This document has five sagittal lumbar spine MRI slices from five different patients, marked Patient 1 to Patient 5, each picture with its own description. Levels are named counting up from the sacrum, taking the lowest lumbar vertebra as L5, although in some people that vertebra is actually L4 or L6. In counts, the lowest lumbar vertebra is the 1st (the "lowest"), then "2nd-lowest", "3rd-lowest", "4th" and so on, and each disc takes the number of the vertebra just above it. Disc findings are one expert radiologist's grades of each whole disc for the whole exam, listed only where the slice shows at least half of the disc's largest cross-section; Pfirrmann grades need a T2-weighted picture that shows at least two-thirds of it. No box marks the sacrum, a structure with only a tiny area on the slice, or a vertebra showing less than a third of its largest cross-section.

Patient 1 of 5:
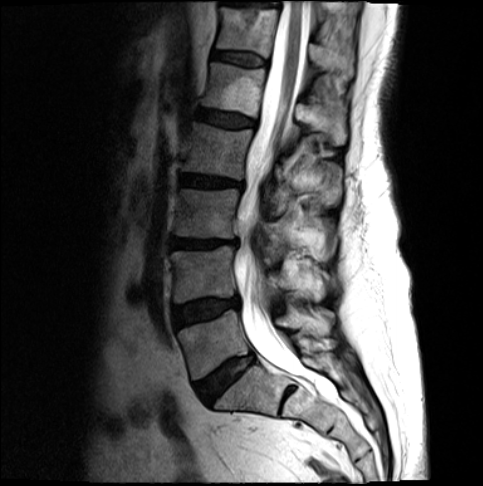 Lumbar spine MR, T2-weighted, sagittal | Slice 7/17 | Patient sex: F
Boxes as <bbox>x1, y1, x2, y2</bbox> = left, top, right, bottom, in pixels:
2nd-lowest vertebra = <bbox>168, 246, 322, 303</bbox>.
6th disc = <bbox>211, 50, 263, 66</bbox>.
6th vertebra = <bbox>215, 7, 352, 76</bbox>.
Lowest vertebra = <bbox>176, 309, 331, 380</bbox>.
3rd-lowest disc = <bbox>168, 238, 236, 247</bbox>.
4th vertebra = <bbox>180, 122, 340, 208</bbox>.
Spinal canal = <bbox>234, 2, 306, 372</bbox>.
5th disc = <bbox>196, 109, 253, 127</bbox>.
4th disc = <bbox>180, 174, 243, 187</bbox>.
Lowest disc = <bbox>197, 354, 254, 402</bbox>.
5th vertebra = <bbox>200, 62, 345, 145</bbox>.
3rd-lowest vertebra = <bbox>172, 188, 333, 256</bbox>.
2nd-lowest disc = <bbox>173, 296, 239, 326</bbox>.

Degenerative findings by level:
• 5th disc: Pfirrmann grade 3, disc bulging
• 3rd-lowest disc: disc narrowing, disc bulging
• 2nd-lowest disc: Pfirrmann grade 3, disc bulging
• lowest disc: Pfirrmann grade 4, disc bulging
• 6th disc: Pfirrmann grade 3
• 4th disc: Pfirrmann grade 4, disc bulging

Patient 2 of 5:
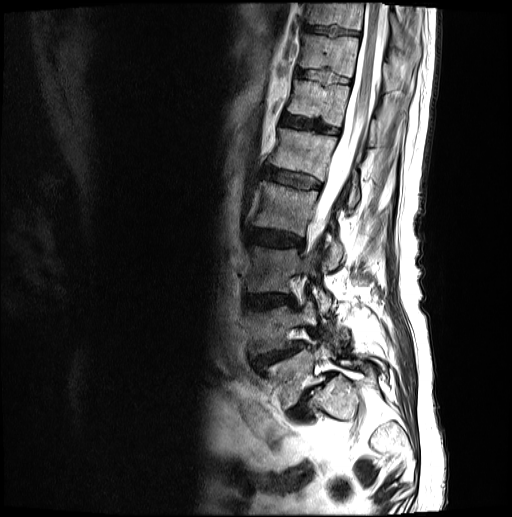

MRI lumbar spine (T2-weighted), sagittal plane; Sex M; Sagittal slice index 8; Image 512x517
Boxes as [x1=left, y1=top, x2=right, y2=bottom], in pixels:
2nd-lowest vertebra at [x1=245, y1=300, x2=338, y2=355].
6th disc at [x1=280, y1=115, x2=338, y2=134].
8th vertebra at [x1=303, y1=3, x2=420, y2=55].
7th disc at [x1=295, y1=70, x2=349, y2=84].
6th vertebra at [x1=287, y1=81, x2=377, y2=146].
4th vertebra at [x1=252, y1=181, x2=343, y2=270].
4th disc at [x1=247, y1=229, x2=303, y2=246].
2nd-lowest disc at [x1=253, y1=343, x2=304, y2=368].
3rd-lowest vertebra at [x1=246, y1=246, x2=334, y2=312].
3rd-lowest disc at [x1=242, y1=294, x2=293, y2=310].
Lowest disc at [x1=289, y1=372, x2=334, y2=420].
5th vertebra at [x1=270, y1=128, x2=360, y2=211].
8th disc at [x1=302, y1=25, x2=358, y2=36].
7th vertebra at [x1=300, y1=34, x2=400, y2=90].
Thecal sac / spinal canal at [x1=314, y1=1, x2=386, y2=234].
5th disc at [x1=264, y1=167, x2=319, y2=188].
Lowest vertebra at [x1=262, y1=343, x2=386, y2=409].

Expert MSK radiologist gradings (per disc):
• lowest disc: Pfirrmann grade 5, spondylolisthesis, disc herniation, disc narrowing, Modic type II
• 4th disc: Pfirrmann grade 3, disc bulging
• 7th disc: Pfirrmann grade 3
• 3rd-lowest disc: Pfirrmann grade 3, upper-endplate change, lower-endplate change, disc bulging
• 5th disc: Pfirrmann grade 3
• 6th disc: Pfirrmann grade 3
• 8th disc: Pfirrmann grade 3

Patient 3 of 5:
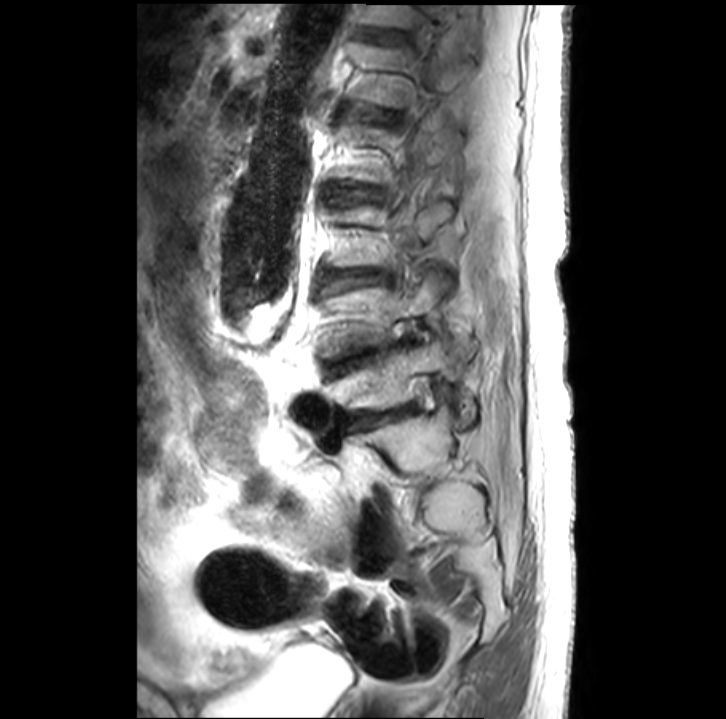 726x719 px. Field of view 285x282 mm. Lumbar spine MR, T2-weighted, sagittal.
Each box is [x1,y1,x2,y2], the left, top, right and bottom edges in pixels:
Segmented structures:
• 3rd-lowest disc at [324,270,387,290]
• 6th vertebra at [358,3,418,26]
• 2nd-lowest disc at [329,337,412,373]
• 5th vertebra at [348,41,470,106]
• lowest disc at [342,404,413,427]
• 5th disc at [362,109,390,119]
• 6th disc at [363,31,406,41]
• lowest vertebra at [345,336,476,423]
• 2nd-lowest vertebra at [319,270,475,358]
• 4th disc at [329,185,381,200]

Per-level radiological findings:
• lowest disc: Pfirrmann grade 5, disc narrowing, Modic type II
• 2nd-lowest disc: Pfirrmann grade 5, disc narrowing
• 3rd-lowest disc: Pfirrmann grade 3, disc narrowing, Modic type II

Patient 4 of 5:
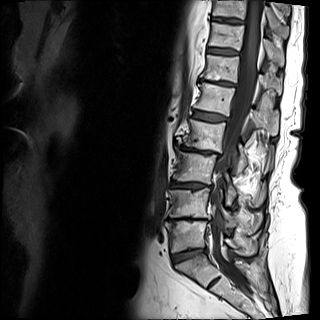
Slice 6/15, T1-weighted sagittal MRI of the lumbar spine

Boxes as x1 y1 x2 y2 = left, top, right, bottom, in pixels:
6th vertebra: 201 54 281 94.
8th vertebra: 213 0 289 39.
8th disc: 212 17 243 24.
7th vertebra: 209 22 284 66.
5th disc: 193 110 227 121.
2nd-lowest vertebra: 169 187 256 230.
Lowest vertebra: 165 220 236 252.
3rd-lowest disc: 172 181 205 188.
6th disc: 199 79 233 85.
Spinal canal: 210 0 262 290.
Lowest disc: 173 249 207 262.
7th disc: 207 47 238 54.
2nd-lowest disc: 170 218 206 220.
4th vertebra: 178 119 248 172.
3rd-lowest vertebra: 173 148 242 203.
4th disc: 179 146 214 154.
5th vertebra: 195 83 277 135.

Radiological gradings:
• 3rd-lowest disc: lower-endplate change, upper-endplate change, disc bulging
• lowest disc: disc bulging, disc narrowing, upper-endplate change, Modic type II, lower-endplate change
• 4th disc: disc bulging, Modic type II, disc narrowing, lower-endplate change, spondylolisthesis, upper-endplate change
• 2nd-lowest disc: Modic type II, upper-endplate change, lower-endplate change, disc narrowing, disc bulging
• 5th disc: lower-endplate change, upper-endplate change, disc bulging
• 6th disc: disc bulging, upper-endplate change, Modic type II, lower-endplate change, disc narrowing
• 7th disc, 8th disc: no Modic or endplate change, herniation, narrowing, bulging or spondylolisthesis recorded

Patient 5 of 5:
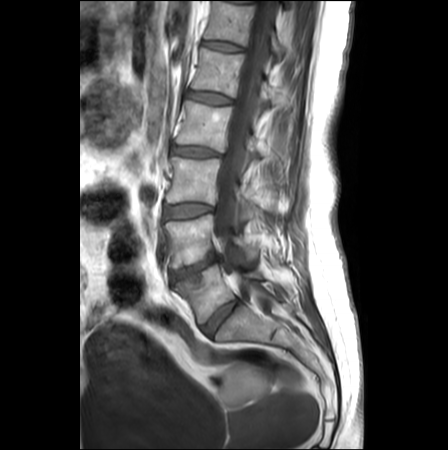 T1-weighted sagittal MRI of the lumbar spine.
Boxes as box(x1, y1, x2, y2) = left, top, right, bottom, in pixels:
• T12/L1 (6th disc): box(202, 40, 241, 51)
• L3/L4 (3rd-lowest disc): box(165, 204, 211, 218)
• L5/S1 (lowest disc): box(202, 300, 240, 334)
• IVD L4/L5 (2nd-lowest disc): box(170, 257, 219, 280)
• IVD L2/L3 (4th disc): box(171, 146, 219, 156)
• T12 (6th vertebra): box(205, 1, 284, 58)
• IVD L1/L2 (5th disc): box(188, 92, 230, 104)
• L1 (5th vertebra): box(192, 48, 280, 106)
• L2 (4th vertebra): box(175, 100, 262, 156)
• L3 (3rd-lowest vertebra): box(167, 157, 253, 218)
• L5 (lowest vertebra): box(175, 264, 271, 323)
• thecal sac / spinal canal: box(213, 0, 275, 312)
• L4 (2nd-lowest vertebra): box(164, 215, 259, 269)

Expert MSK radiologist gradings (per disc):
  L3/L4 (3rd-lowest disc): disc bulging
  L4/L5 (2nd-lowest disc): disc herniation, upper-endplate change, Modic type II, lower-endplate change, disc narrowing
  L2/L3 (4th disc): disc bulging
  L1/L2 (5th disc), L5/S1 (lowest disc), T12/L1 (6th disc): no herniation, bulging, narrowing, spondylolisthesis, endplate or Modic change recorded